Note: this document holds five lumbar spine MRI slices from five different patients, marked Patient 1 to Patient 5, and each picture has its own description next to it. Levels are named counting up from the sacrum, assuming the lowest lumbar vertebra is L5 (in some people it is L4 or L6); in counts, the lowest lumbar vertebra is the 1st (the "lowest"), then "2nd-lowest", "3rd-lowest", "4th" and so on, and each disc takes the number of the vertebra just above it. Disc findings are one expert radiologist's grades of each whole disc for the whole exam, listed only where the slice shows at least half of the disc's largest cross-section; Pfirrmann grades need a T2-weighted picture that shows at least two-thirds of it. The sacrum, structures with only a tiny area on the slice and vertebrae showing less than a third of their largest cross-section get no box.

Patient 1 of 5:
MRI lumbar spine (T2-weighted), sagittal plane | Slice 14 of 26 | Field of view 280x281 mm | Image 448x450 | Scanner: Philips Healthcare Ingenia (3T) 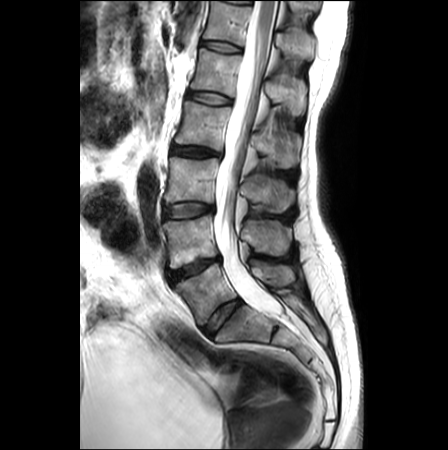 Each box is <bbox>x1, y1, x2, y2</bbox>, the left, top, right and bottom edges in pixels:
T12/L1 (6th disc) at <bbox>201, 40, 240, 51</bbox>, thecal sac / spinal canal at <bbox>214, 1, 281, 315</bbox>, L5 (lowest vertebra) at <bbox>175, 262, 295, 324</bbox>, IVD L3/L4 (3rd-lowest disc) at <bbox>164, 203, 212, 218</bbox>, L2 (4th vertebra) at <bbox>175, 101, 300, 168</bbox>, L1 (5th vertebra) at <bbox>191, 48, 306, 115</bbox>, IVD L2/L3 (4th disc) at <bbox>172, 146, 219, 156</bbox>, L4 (2nd-lowest vertebra) at <bbox>163, 215, 291, 268</bbox>, IVD L5/S1 (lowest disc) at <bbox>202, 300, 241, 335</bbox>, L3 (3rd-lowest vertebra) at <bbox>164, 157, 295, 212</bbox>, L4/L5 (2nd-lowest disc) at <bbox>168, 257, 219, 282</bbox>, IVD L1/L2 (5th disc) at <bbox>188, 92, 230, 104</bbox>, T12 (6th vertebra) at <bbox>203, 1, 315, 59</bbox>.

Radiological gradings:
  T12/L1 (6th disc): Pfirrmann grade 1
  L4/L5 (2nd-lowest disc): Pfirrmann grade 4, Modic type II, disc herniation, disc narrowing, lower-endplate change, upper-endplate change
  L5/S1 (lowest disc): Pfirrmann grade 2
  L1/L2 (5th disc): Pfirrmann grade 1
  L2/L3 (4th disc): Pfirrmann grade 3, disc bulging
  L3/L4 (3rd-lowest disc): Pfirrmann grade 1, disc bulging

Patient 2 of 5:
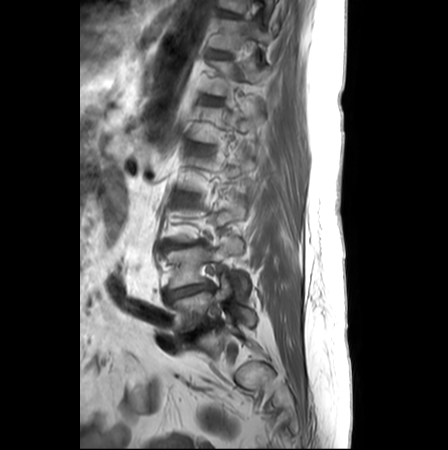 Image 448x450 | Patient sex: F | T1-weighted sagittal MRI of the lumbar spine

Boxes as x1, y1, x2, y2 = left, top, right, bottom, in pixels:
Segmented structures:
- 2nd-lowest vertebra: 164, 237, 249, 293
- lowest vertebra: 172, 276, 256, 333
- lowest disc: 184, 321, 215, 339
- 2nd-lowest disc: 166, 282, 211, 299
- 6th disc: 207, 98, 220, 104
- 5th vertebra: 193, 107, 256, 142
- 7th disc: 212, 51, 228, 57
- 3rd-lowest disc: 163, 240, 205, 248
- 8th vertebra: 220, 0, 273, 14
- 6th vertebra: 203, 61, 268, 95
- 7th vertebra: 210, 17, 270, 50

Per-level radiological findings:
- 2nd-lowest disc: disc narrowing, disc bulging

Patient 3 of 5:
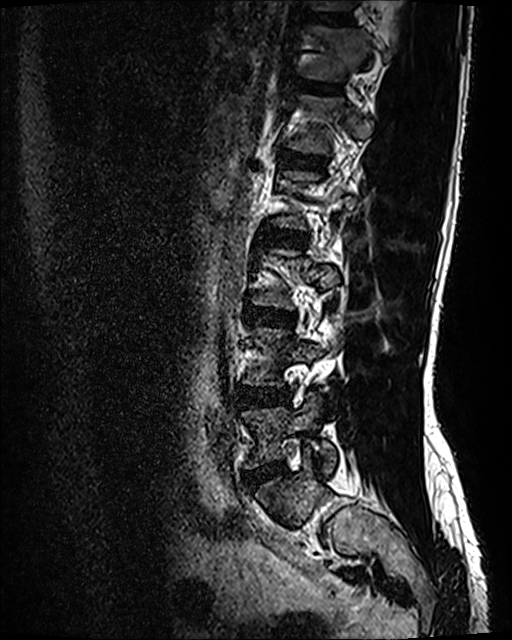

Lumbar spine MR, T2 SPACE (3D), sagittal. Slice 82 of 120.

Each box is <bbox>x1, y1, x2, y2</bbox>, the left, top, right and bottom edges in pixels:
T11/T12: <bbox>305, 12, 355, 24</bbox>.
L4/L5: <bbox>238, 385, 288, 406</bbox>.
L5: <bbox>241, 392, 337, 471</bbox>.
T12/L1: <bbox>298, 81, 344, 94</bbox>.
T11: <bbox>305, 0, 358, 9</bbox>.
T12 vertebra: <bbox>304, 26, 391, 81</bbox>.
L1/L2: <bbox>282, 152, 328, 171</bbox>.
Disc L3/L4: <bbox>245, 306, 294, 327</bbox>.
L2/L3: <bbox>260, 229, 308, 247</bbox>.
L1: <bbox>288, 95, 373, 154</bbox>.
Disc L5/S1: <bbox>244, 462, 283, 486</bbox>.

Per-level radiological findings:
- T11/T12, L1/L2, T12/L1: no Modic or endplate change, herniation, narrowing, bulging or spondylolisthesis recorded

Patient 4 of 5:
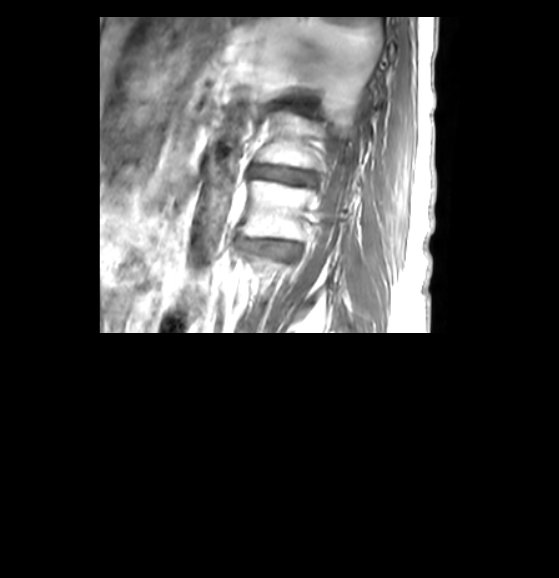 Patient sex: F. Sagittal slice index 35. T1-weighted sagittal MRI of the lumbar spine.
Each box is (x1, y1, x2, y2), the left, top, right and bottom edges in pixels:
Annotations:
• T12/L1: (290, 104, 311, 113)
• disc L2/L3: (240, 239, 299, 255)
• L2 vertebra: (240, 180, 320, 239)
• disc L1/L2: (250, 165, 315, 183)
• L1 vertebra: (257, 111, 325, 168)

Expert MSK radiologist gradings (per disc):
• L2/L3: disc bulging, disc narrowing
• L1/L2: disc narrowing

Patient 5 of 5:
MRI lumbar spine (T2-weighted), sagittal plane. 516x517 px. Field of view 308x309 mm.

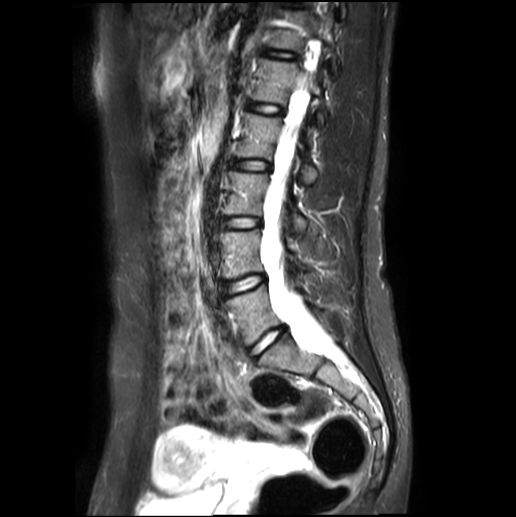

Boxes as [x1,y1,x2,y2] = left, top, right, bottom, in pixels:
{"L4": "[220,230,303,278]", "L4/L5": "[224,275,264,294]", "L2": "[236,114,317,184]", "T12/L1": "[267,52,294,59]", "L2/L3": "[231,160,270,171]", "spinal canal": "[269,128,318,337]", "IVD L5/S1": "[251,328,285,356]", "IVD L1/L2": "[248,102,280,114]", "L5 vertebra": "[228,286,322,344]", "L1 vertebra": "[251,60,325,123]", "L3 vertebra": "[223,172,306,232]", "L3/L4": "[220,217,260,230]"}

Radiological gradings:
• L5/S1: Pfirrmann grade 1
• L2/L3: Pfirrmann grade 1
• L1/L2: Pfirrmann grade 1
• L3/L4: Pfirrmann grade 1
• L4/L5: Pfirrmann grade 1